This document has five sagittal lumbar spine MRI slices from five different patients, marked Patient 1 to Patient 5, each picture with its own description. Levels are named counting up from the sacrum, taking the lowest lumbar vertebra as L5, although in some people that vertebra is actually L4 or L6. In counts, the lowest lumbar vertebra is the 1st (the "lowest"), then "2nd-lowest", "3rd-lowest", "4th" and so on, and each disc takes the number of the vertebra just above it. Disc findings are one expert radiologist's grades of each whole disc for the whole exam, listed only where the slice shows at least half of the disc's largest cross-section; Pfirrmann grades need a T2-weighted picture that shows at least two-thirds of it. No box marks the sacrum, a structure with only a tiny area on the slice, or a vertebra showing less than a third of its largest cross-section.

Patient 1 of 5:
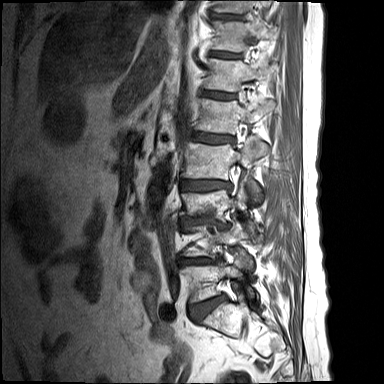 T1-weighted sagittal MRI of the lumbar spine

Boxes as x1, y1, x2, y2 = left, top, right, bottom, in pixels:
3rd-lowest vertebra: 179, 183, 247, 217
lowest vertebra: 181, 263, 254, 302
8th vertebra: 215, 0, 271, 12
8th disc: 214, 14, 239, 19
4th disc: 180, 179, 231, 191
4th vertebra: 182, 137, 269, 206
2nd-lowest vertebra: 184, 220, 254, 269
5th vertebra: 195, 98, 275, 134
5th disc: 192, 131, 234, 143
6th vertebra: 204, 58, 273, 91
6th disc: 202, 90, 233, 99
lowest disc: 190, 295, 225, 320
2nd-lowest disc: 180, 257, 217, 265
7th vertebra: 213, 19, 278, 51
3rd-lowest disc: 181, 212, 229, 228
7th disc: 212, 52, 238, 57

Radiological gradings:
• lowest disc: lower-endplate change, disc bulging, upper-endplate change
• 3rd-lowest disc: disc bulging, lower-endplate change, disc narrowing, upper-endplate change
• 5th disc: lower-endplate change, disc bulging, upper-endplate change
• 4th disc: disc narrowing, upper-endplate change, disc bulging, lower-endplate change
• 6th disc: no herniation, bulging, narrowing, spondylolisthesis, endplate or Modic change recorded

Patient 2 of 5:
Image 808x798 | Field of view 286x282 mm | Sex F | Lumbar spine MR, T1-weighted, sagittal

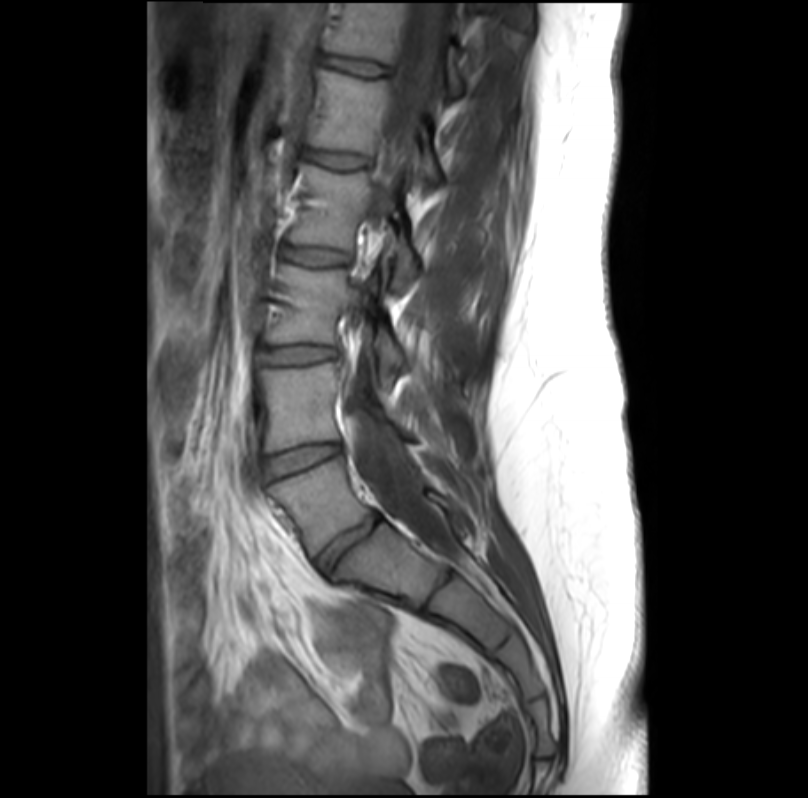 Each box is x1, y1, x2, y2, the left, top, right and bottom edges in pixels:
L4/L5 (2nd-lowest disc) at 268, 443, 342, 475; L5/S1 (lowest disc) at 319, 514, 381, 569; L4 (2nd-lowest vertebra) at 261, 362, 412, 451; L3/L4 (3rd-lowest disc) at 261, 346, 338, 363; L5 (lowest vertebra) at 273, 458, 460, 554; T12/L1 (6th disc) at 324, 56, 384, 76; T12 (6th vertebra) at 326, 3, 466, 92; L1 (5th vertebra) at 307, 69, 443, 184; L3 (3rd-lowest vertebra) at 266, 265, 407, 381; L2 (4th vertebra) at 289, 164, 419, 286; L2/L3 (4th disc) at 283, 246, 350, 264; spinal canal at 345, 3, 458, 561; IVD L1/L2 (5th disc) at 305, 149, 369, 167.

Expert MSK radiologist gradings (per disc):
- L5/S1 (lowest disc): disc narrowing
- L3/L4 (3rd-lowest disc): disc bulging
- L1/L2 (5th disc), L4/L5 (2nd-lowest disc), L2/L3 (4th disc), T12/L1 (6th disc): no Modic or endplate change, herniation, narrowing, bulging or spondylolisthesis recorded

Patient 3 of 5:
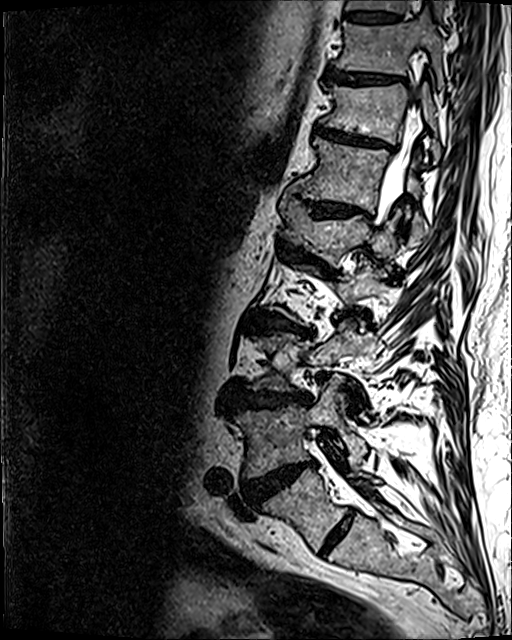
Sagittal slice index 81 | MRI lumbar spine (T2 SPACE (3D)), sagittal plane

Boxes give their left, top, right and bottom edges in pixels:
L3 (3rd-lowest vertebra) — left=249, top=324, right=378, bottom=392.
Thecal sac / spinal canal — left=379, top=109, right=419, bottom=217.
L1 (5th vertebra) — left=280, top=195, right=400, bottom=258.
Disc L1/L2 (5th disc) — left=279, top=242, right=322, bottom=267.
L4/L5 (2nd-lowest disc) — left=246, top=462, right=313, bottom=501.
L4 (2nd-lowest vertebra) — left=236, top=376, right=366, bottom=477.
Disc L2/L3 (4th disc) — left=252, top=314, right=311, bottom=336.
L5/S1 (lowest disc) — left=320, top=512, right=352, bottom=555.
T11/T12 (7th disc) — left=316, top=126, right=393, bottom=150.
Disc L3/L4 (3rd-lowest disc) — left=235, top=386, right=311, bottom=410.
T10 (8th vertebra) — left=334, top=13, right=444, bottom=87.
T10/T11 (8th disc) — left=326, top=69, right=404, bottom=85.
T12 (6th vertebra) — left=294, top=137, right=427, bottom=243.
Disc T9/T10 (9th disc) — left=344, top=11, right=397, bottom=22.
L5 (lowest vertebra) — left=263, top=469, right=380, bottom=551.
Disc T12/L1 (6th disc) — left=307, top=201, right=369, bottom=217.
T11 (7th vertebra) — left=320, top=83, right=439, bottom=160.

Expert MSK radiologist gradings (per disc):
- T12/L1 (6th disc): upper-endplate change, lower-endplate change, disc narrowing, disc bulging
- T9/T10 (9th disc): Pfirrmann grade 3, lower-endplate change
- L4/L5 (2nd-lowest disc): Pfirrmann grade 5, disc bulging, disc narrowing, lower-endplate change, Modic type II, disc herniation, upper-endplate change
- T10/T11 (8th disc): Pfirrmann grade 4, disc bulging, upper-endplate change, lower-endplate change
- T11/T12 (7th disc): lower-endplate change, disc narrowing, disc bulging, upper-endplate change
- L3/L4 (3rd-lowest disc): Pfirrmann grade 4, lower-endplate change, upper-endplate change, disc narrowing, disc bulging

Patient 4 of 5:
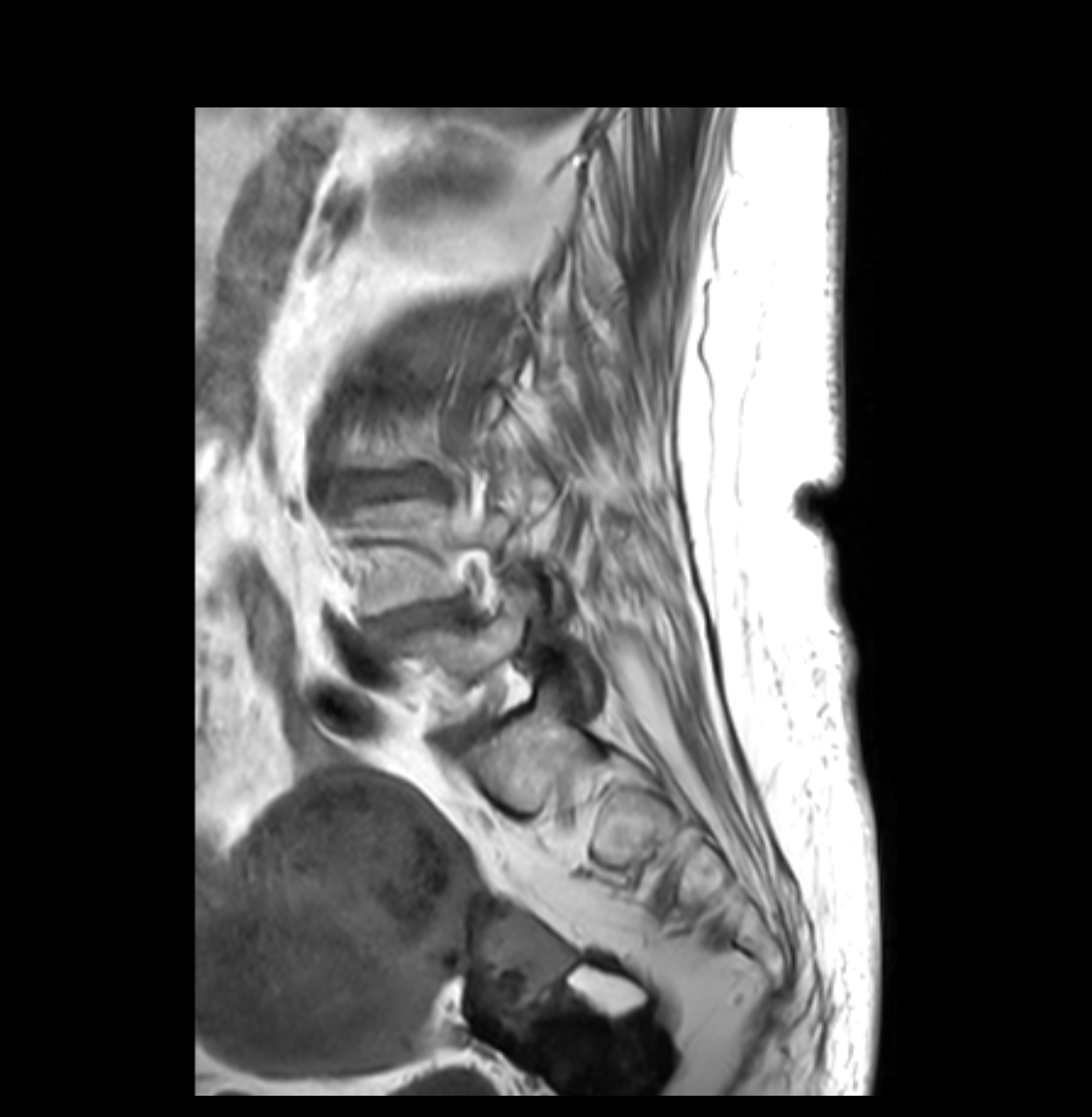
T1-weighted sagittal MRI of the lumbar spine; Slice 9/33

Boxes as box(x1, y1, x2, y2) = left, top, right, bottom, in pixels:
Intervertebral disc L5/S1: box(451, 725, 474, 740).
L4 vertebra: box(342, 499, 560, 614).
L3/L4: box(337, 473, 423, 497).
L5: box(392, 574, 540, 725).
Intervertebral disc L4/L5: box(371, 605, 460, 634).

Degenerative findings by level:
  L3/L4: disc bulging, spondylolisthesis, disc narrowing
  L4/L5: disc bulging, disc narrowing

Patient 5 of 5:
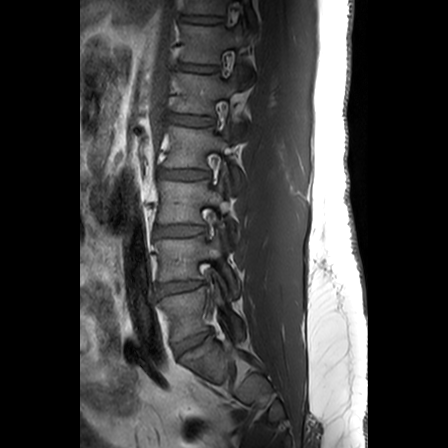

Lumbar spine MR, T1-weighted, sagittal; Sagittal slice index 7; Patient sex: M

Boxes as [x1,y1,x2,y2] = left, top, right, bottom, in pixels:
{"L5/S1": "[174,330,211,355]", "T11 vertebra": "[184,0,253,19]", "T11/T12": "[181,15,220,23]", "L2/L3": "[158,168,209,178]", "T12 vertebra": "[181,25,250,63]", "L1": "[173,73,247,113]", "L4/L5": "[157,280,204,295]", "L5 vertebra": "[159,284,242,340]", "IVD L1/L2": "[166,114,212,125]", "IVD L3/L4": "[155,225,204,236]", "T12/L1": "[179,63,217,72]", "L4 vertebra": "[156,231,238,294]", "L2": "[164,126,243,190]", "L3": "[158,177,240,241]"}

Per-level radiological findings:
- L2/L3: disc bulging
- L5/S1: disc bulging
- L3/L4, L1/L2, T11/T12, T12/L1, L4/L5: no herniation, bulging, narrowing, spondylolisthesis, endplate or Modic change recorded